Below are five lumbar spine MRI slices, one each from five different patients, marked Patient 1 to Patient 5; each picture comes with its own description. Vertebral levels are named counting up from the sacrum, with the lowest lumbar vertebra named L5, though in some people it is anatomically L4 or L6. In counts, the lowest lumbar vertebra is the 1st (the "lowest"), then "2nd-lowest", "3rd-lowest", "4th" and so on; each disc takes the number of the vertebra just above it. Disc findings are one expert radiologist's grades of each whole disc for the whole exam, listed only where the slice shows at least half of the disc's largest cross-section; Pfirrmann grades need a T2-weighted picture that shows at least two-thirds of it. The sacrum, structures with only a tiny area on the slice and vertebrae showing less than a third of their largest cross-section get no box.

Patient 1 of 5:
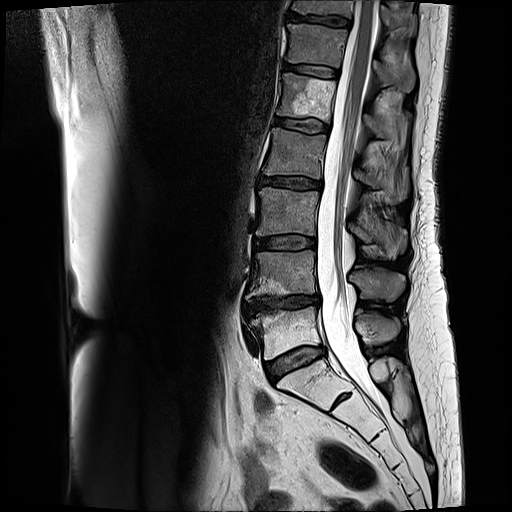 Patient sex: F. 512x512 px. T2-weighted sagittal MRI of the lumbar spine.
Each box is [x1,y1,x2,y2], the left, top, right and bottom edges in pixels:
{"L5/S1": "[266,347,326,381]", "T11/T12": "[289,14,351,27]", "intervertebral disc L4/L5": "[243,295,319,315]", "L2 vertebra": "[263,128,409,201]", "L4 vertebra": "[246,250,405,301]", "spinal canal": "[316,0,379,403]", "L3": "[256,188,407,253]", "intervertebral disc L3/L4": "[255,236,315,249]", "L5 vertebra": "[244,307,400,359]", "L1 vertebra": "[278,74,410,146]", "T12": "[287,25,415,91]", "T11 vertebra": "[293,0,415,32]", "L1/L2": "[273,118,328,132]", "T12/L1": "[284,63,339,77]", "intervertebral disc L2/L3": "[258,177,321,188]"}

Expert MSK radiologist gradings (per disc):
- T12/L1: Pfirrmann grade 3, Modic type II
- L2/L3: Pfirrmann grade 3, disc bulging, Modic type II
- L4/L5: Pfirrmann grade 4, disc narrowing, lower-endplate change, Modic type II, disc bulging, upper-endplate change
- L3/L4: Pfirrmann grade 3, Modic type II, disc bulging
- L1/L2: Pfirrmann grade 3, Modic type II
- L5/S1: Pfirrmann grade 3, Modic type II, disc bulging
- T11/T12: Pfirrmann grade 4, Modic type II, lower-endplate change, upper-endplate change

Patient 2 of 5:
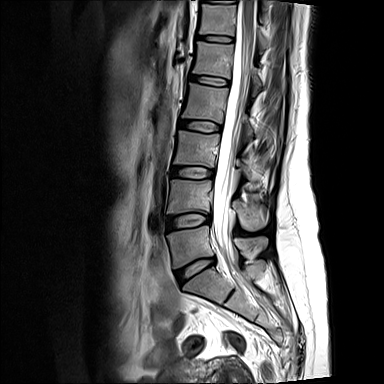
Sex F; Slice spacing 4.8 mm; Lumbar spine MR, T2-weighted, sagittal

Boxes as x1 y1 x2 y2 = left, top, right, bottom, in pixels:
intervertebral disc L4/L5: 167 214 210 229
L4: 167 179 268 230
thecal sac / spinal canal: 212 0 256 260
T12 vertebra: 199 4 272 48
L2/L3: 179 120 220 131
L1: 193 41 262 93
intervertebral disc L3/L4: 171 167 214 178
L5: 167 225 267 268
T12/L1: 197 35 233 42
intervertebral disc L5/S1: 176 258 214 284
L3 vertebra: 174 130 263 189
L2 vertebra: 182 83 254 135
L1/L2: 190 75 228 85

Expert MSK radiologist gradings (per disc):
• L5/S1: Pfirrmann grade 1, disc bulging
• T12/L1: Pfirrmann grade 1
• L4/L5: Pfirrmann grade 2, Modic type II, disc bulging
• L1/L2: Pfirrmann grade 1
• L2/L3: Pfirrmann grade 1
• L3/L4: Pfirrmann grade 1

Patient 3 of 5:
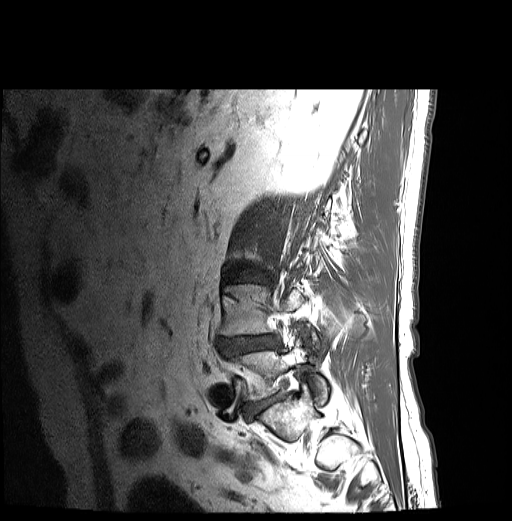 Sagittal T1-weighted lumbar spine MRI. Image 512x521.
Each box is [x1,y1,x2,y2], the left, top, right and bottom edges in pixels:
{"lowest disc": "[246,396,278,418]", "2nd-lowest disc": "[220,335,279,354]", "2nd-lowest vertebra": "[220,284,303,335]", "3rd-lowest disc": "[240,273,259,280]", "lowest vertebra": "[233,339,328,404]"}

Expert MSK radiologist gradings (per disc):
- 2nd-lowest disc: disc bulging, upper-endplate change, spondylolisthesis, lower-endplate change, Modic type II, disc narrowing, disc herniation

Patient 4 of 5:
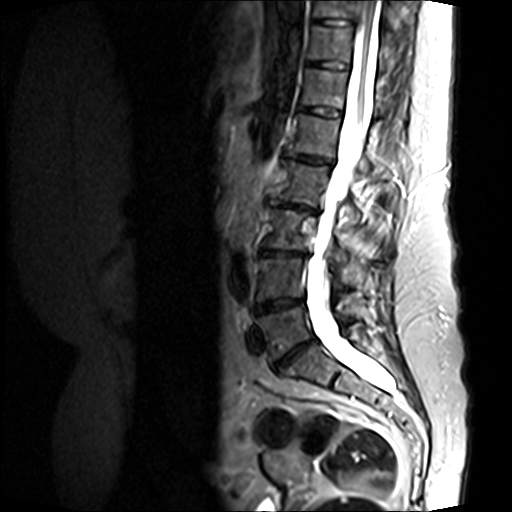 Sagittal T2-weighted lumbar spine MRI; Sex F; Field of view 340x340 mm, slice spacing 4.8 mm

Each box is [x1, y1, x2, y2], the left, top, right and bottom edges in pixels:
L2: [272, 159, 360, 222]
L1 vertebra: [287, 113, 369, 170]
L5 vertebra: [256, 306, 346, 359]
L1/L2: [283, 151, 332, 167]
IVD T12/L1: [298, 105, 342, 117]
T12 vertebra: [301, 68, 403, 116]
T11/T12: [305, 60, 349, 70]
IVD L2/L3: [269, 199, 316, 213]
L5/S1: [273, 338, 316, 372]
T11: [307, 25, 387, 68]
L3 vertebra: [263, 207, 347, 260]
IVD L3/L4: [259, 248, 307, 257]
L4 vertebra: [256, 258, 342, 302]
spinal canal: [306, 0, 397, 403]
IVD L4/L5: [256, 298, 303, 314]

Expert MSK radiologist gradings (per disc):
  L1/L2: Pfirrmann grade 4, disc narrowing, Modic type II, lower-endplate change, disc bulging, upper-endplate change
  T12/L1: Pfirrmann grade 3
  L5/S1: Pfirrmann grade 5, Modic type II, upper-endplate change, disc narrowing, lower-endplate change, disc bulging
  L2/L3: Pfirrmann grade 5, disc bulging, Modic type II, lower-endplate change, disc narrowing, upper-endplate change
  L4/L5: Pfirrmann grade 4, lower-endplate change, upper-endplate change, disc narrowing, Modic type II, disc bulging
  T11/T12: Pfirrmann grade 2
  L3/L4: Pfirrmann grade 5, lower-endplate change, Modic type II, upper-endplate change, disc narrowing, disc bulging

Patient 5 of 5:
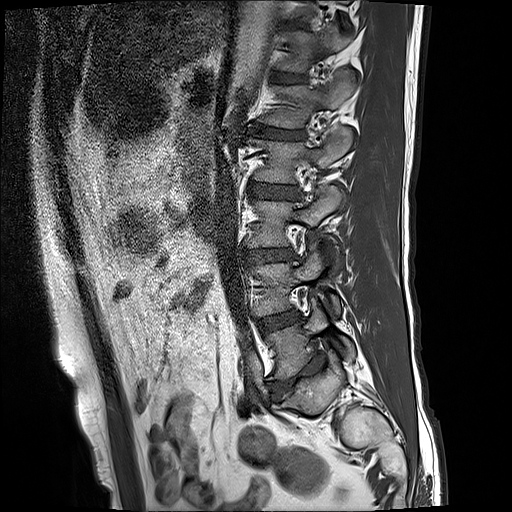 Sex M | Sagittal T1-weighted lumbar spine MRI
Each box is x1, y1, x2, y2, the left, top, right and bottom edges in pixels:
Annotations:
• lowest vertebra — 268, 299, 354, 379
• 3rd-lowest vertebra — 247, 186, 344, 245
• 2nd-lowest vertebra — 256, 245, 341, 317
• 3rd-lowest disc — 249, 247, 291, 263
• 5th vertebra — 262, 70, 361, 129
• 4th vertebra — 250, 128, 356, 183
• 4th disc — 253, 182, 294, 198
• lowest disc — 269, 354, 325, 393
• 2nd-lowest disc — 261, 314, 296, 332
• 5th disc — 250, 128, 304, 140
• 6th disc — 278, 73, 303, 82

Per-level radiological findings:
  5th disc: upper-endplate change, lower-endplate change, disc narrowing, disc bulging, Modic type II
  lowest disc: upper-endplate change, lower-endplate change, Modic type II, disc narrowing, disc bulging
  3rd-lowest disc: lower-endplate change, upper-endplate change, disc bulging
  4th disc: no Modic or endplate change, herniation, narrowing, bulging or spondylolisthesis recorded